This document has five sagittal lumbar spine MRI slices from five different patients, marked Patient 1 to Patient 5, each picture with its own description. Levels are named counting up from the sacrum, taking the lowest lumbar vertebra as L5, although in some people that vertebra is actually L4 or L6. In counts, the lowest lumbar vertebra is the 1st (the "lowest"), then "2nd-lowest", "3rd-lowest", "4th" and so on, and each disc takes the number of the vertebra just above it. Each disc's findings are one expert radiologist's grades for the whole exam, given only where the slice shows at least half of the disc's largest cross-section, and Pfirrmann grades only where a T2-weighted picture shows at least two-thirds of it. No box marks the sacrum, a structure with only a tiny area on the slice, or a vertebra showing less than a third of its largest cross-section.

Patient 1 of 5:
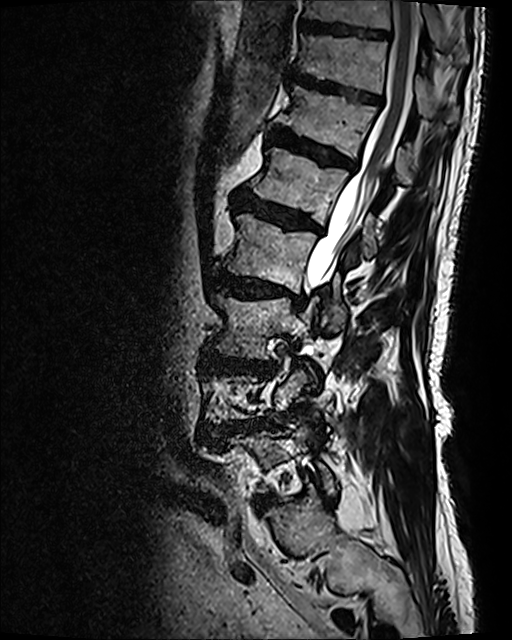

Image 512x640; Sagittal T2 SPACE (3D) lumbar spine MRI; Sex M

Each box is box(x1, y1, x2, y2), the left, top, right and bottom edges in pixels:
T11/T12 at box(291, 71, 381, 104).
L1/L2 at box(237, 195, 320, 232).
T11 at box(298, 36, 456, 117).
Intervertebral disc T12/L1 at box(271, 126, 357, 168).
L2/L3 at box(213, 271, 303, 306).
L3/L4 at box(204, 352, 271, 373).
T10 vertebra at box(303, 0, 446, 48).
T12 at box(275, 85, 437, 197).
Intervertebral disc L4/L5 at box(224, 422, 261, 429).
L2 at box(226, 214, 346, 331).
Spinal canal at box(305, 1, 417, 296).
L3 at box(212, 294, 312, 357).
T10/T11 at box(300, 22, 389, 39).
L1 at box(250, 147, 376, 255).

Degenerative findings by level:
- T12/L1: Pfirrmann grade 4, upper-endplate change, disc bulging, lower-endplate change, Modic type II
- T10/T11: Pfirrmann grade 3
- L2/L3: Pfirrmann grade 4, upper-endplate change, Modic type I, disc bulging, lower-endplate change, disc narrowing
- T11/T12: Pfirrmann grade 4, disc bulging, upper-endplate change, lower-endplate change
- L3/L4: upper-endplate change, lower-endplate change, disc bulging
- L1/L2: Pfirrmann grade 4, upper-endplate change, lower-endplate change, Modic type II, disc bulging

Patient 2 of 5:
Slice 21/28; Sex M; MRI lumbar spine (T1-weighted), sagittal plane

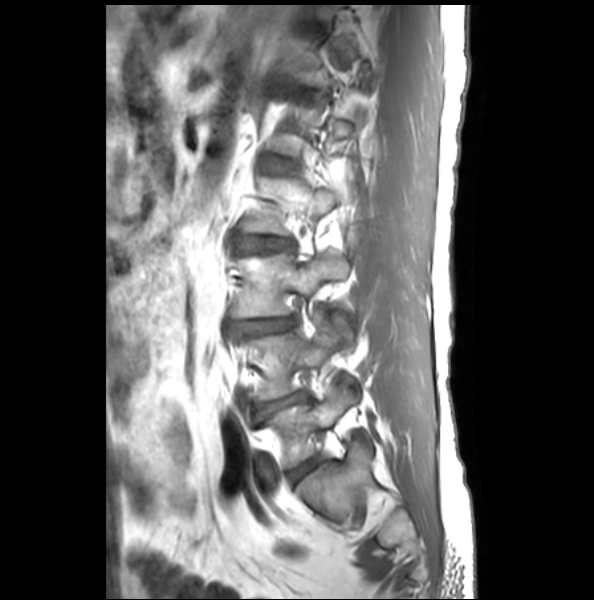
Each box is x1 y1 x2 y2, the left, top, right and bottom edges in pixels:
L5 (lowest vertebra) at 269 384 373 469, L2/L3 (4th disc) at 240 237 292 252, L3 (3rd-lowest vertebra) at 231 254 348 318, IVD L3/L4 (3rd-lowest disc) at 232 318 295 337, L4 (2nd-lowest vertebra) at 245 314 361 401, L5/S1 (lowest disc) at 286 458 322 485, L4/L5 (2nd-lowest disc) at 253 390 309 416.

Radiological gradings:
  L2/L3 (4th disc): disc bulging, disc narrowing
  L3/L4 (3rd-lowest disc): disc bulging, disc narrowing
  L4/L5 (2nd-lowest disc): lower-endplate change, disc bulging, disc narrowing

Patient 3 of 5:
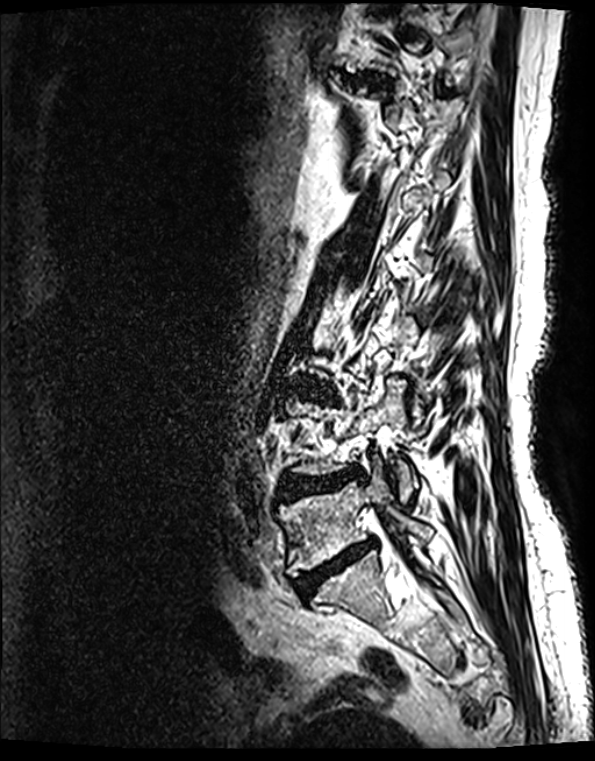
Image 595x761, Sagittal T2 SPACE (3D) lumbar spine MRI, Field of view 240x307 mm, slice spacing 0.9 mm, Patient sex: F

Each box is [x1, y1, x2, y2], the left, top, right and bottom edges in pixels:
* 2nd-lowest disc: [280, 470, 352, 498]
* lowest disc: [295, 539, 376, 596]
* lowest vertebra: [280, 456, 433, 575]

Per-level radiological findings:
  lowest disc: Pfirrmann grade 5, Modic type II, disc bulging, disc narrowing, lower-endplate change, upper-endplate change
  2nd-lowest disc: disc narrowing, disc bulging, lower-endplate change, Modic type II, upper-endplate change, disc herniation

Patient 4 of 5:
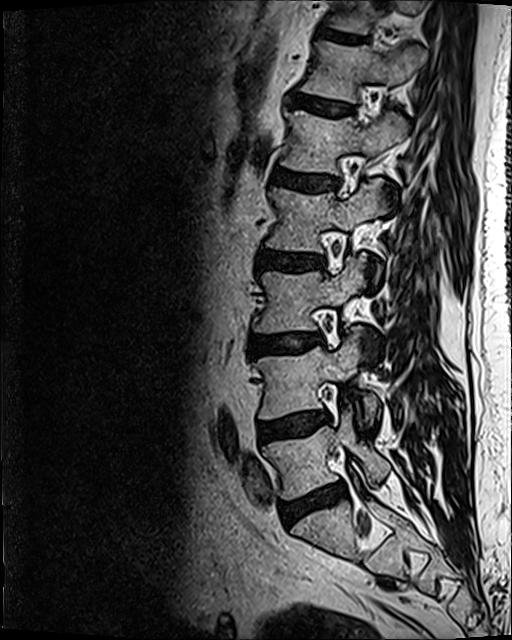

Lumbar spine MR, T2 SPACE (3D), sagittal | Sagittal slice index 41
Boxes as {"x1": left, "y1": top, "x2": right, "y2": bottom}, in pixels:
L4/L5 (2nd-lowest disc): {"x1": 257, "y1": 411, "x2": 329, "y2": 443} | disc L3/L4 (3rd-lowest disc): {"x1": 247, "y1": 334, "x2": 319, "y2": 354} | L2/L3 (4th disc): {"x1": 257, "y1": 250, "x2": 321, "y2": 269} | L5/S1 (lowest disc): {"x1": 280, "y1": 484, "x2": 345, "y2": 523} | T11/T12 (7th disc): {"x1": 320, "y1": 28, "x2": 369, "y2": 43} | L4 (2nd-lowest vertebra): {"x1": 257, "y1": 332, "x2": 378, "y2": 423} | T12/L1 (6th disc): {"x1": 291, "y1": 95, "x2": 352, "y2": 114} | disc L1/L2 (5th disc): {"x1": 273, "y1": 167, "x2": 337, "y2": 192} | L2 (4th vertebra): {"x1": 266, "y1": 179, "x2": 387, "y2": 281} | T11 (7th vertebra): {"x1": 326, "y1": 0, "x2": 426, "y2": 32} | L1 (5th vertebra): {"x1": 281, "y1": 110, "x2": 408, "y2": 174} | T12 (6th vertebra): {"x1": 302, "y1": 42, "x2": 426, "y2": 102} | L3 (3rd-lowest vertebra): {"x1": 253, "y1": 254, "x2": 366, "y2": 333} | L5 (lowest vertebra): {"x1": 263, "y1": 407, "x2": 390, "y2": 499}

Radiological gradings:
- L2/L3 (4th disc): disc bulging
- L5/S1 (lowest disc): Pfirrmann grade 3, disc bulging, disc narrowing, Modic type II
- T12/L1 (6th disc): Pfirrmann grade 2
- L1/L2 (5th disc): Pfirrmann grade 3, disc bulging
- L4/L5 (2nd-lowest disc): Pfirrmann grade 2, Modic type II, disc bulging
- L3/L4 (3rd-lowest disc): Pfirrmann grade 2, Modic type II, disc bulging
- T11/T12 (7th disc): no herniation, bulging, narrowing, spondylolisthesis, endplate or Modic change recorded

Patient 5 of 5:
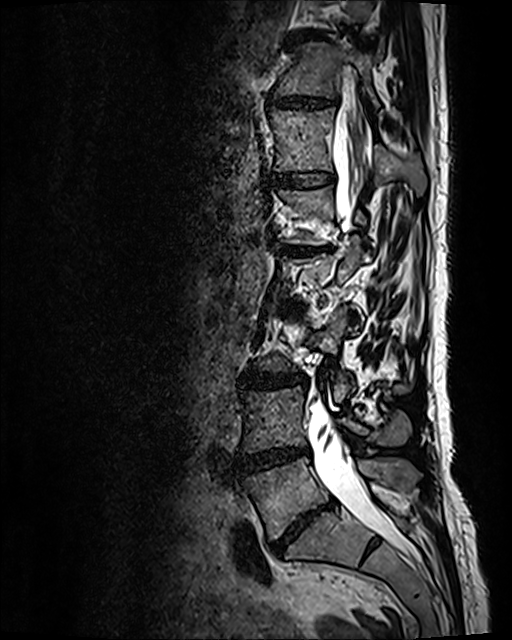 Sagittal T2 SPACE (3D) lumbar spine MRI | Image 512x640
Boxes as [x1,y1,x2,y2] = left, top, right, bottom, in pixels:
T11/T12 at [267,94,338,111], L5 vertebra at [242,458,420,539], L1/L2 at [277,243,331,254], disc L3/L4 at [240,369,304,387], T12/L1 at [274,171,333,189], T12 vertebra at [269,108,426,194], L4/L5 at [236,449,309,474], L3 vertebra at [256,311,410,400], T11 vertebra at [276,42,380,107], spinal canal at [308,67,409,556], L4 at [241,387,410,453], disc L5/S1 at [271,504,331,553].

Expert MSK radiologist gradings (per disc):
  L3/L4: disc bulging
  T11/T12: Pfirrmann grade 3, disc bulging, disc narrowing
  L1/L2: upper-endplate change, disc narrowing, Modic type II, lower-endplate change, disc bulging
  L5/S1: Pfirrmann grade 5, upper-endplate change, disc bulging, Modic type II, disc narrowing, lower-endplate change
  T12/L1: Pfirrmann grade 2
  L4/L5: Pfirrmann grade 4, disc bulging, Modic type II, disc narrowing